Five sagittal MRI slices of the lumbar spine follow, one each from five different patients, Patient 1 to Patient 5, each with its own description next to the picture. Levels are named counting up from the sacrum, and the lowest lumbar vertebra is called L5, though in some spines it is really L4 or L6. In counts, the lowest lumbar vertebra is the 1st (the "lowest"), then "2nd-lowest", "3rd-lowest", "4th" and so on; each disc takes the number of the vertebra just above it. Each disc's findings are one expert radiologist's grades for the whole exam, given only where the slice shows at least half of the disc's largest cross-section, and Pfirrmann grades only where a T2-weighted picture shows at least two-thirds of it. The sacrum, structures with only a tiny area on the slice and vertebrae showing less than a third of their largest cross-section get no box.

Patient 1 of 5:
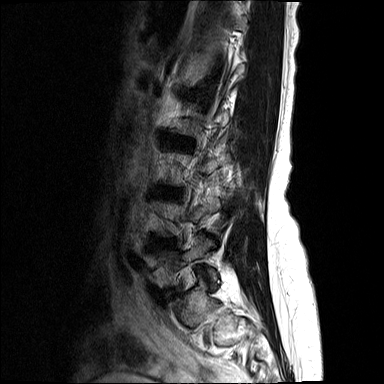 Image 384x384. Lumbar spine MR, T2-weighted, sagittal.
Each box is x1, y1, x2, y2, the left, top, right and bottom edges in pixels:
Lowest vertebra — 157, 239, 217, 287.
2nd-lowest disc — 152, 239, 175, 247.

Patient 2 of 5:
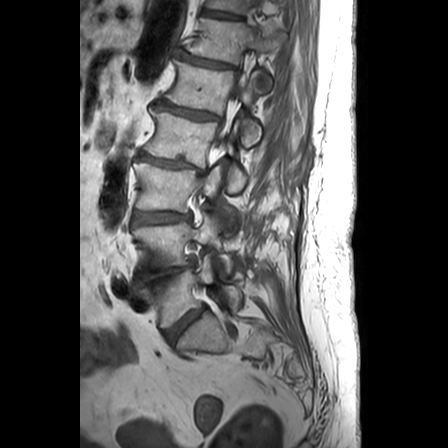 Patient sex: F. MRI lumbar spine (T1-weighted), sagittal plane. 448x448 px. Slice 17 of 24.
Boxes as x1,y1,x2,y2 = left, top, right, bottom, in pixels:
L5 (lowest vertebra): 140,250,242,329
T11 (7th vertebra): 206,0,252,13
disc L1/L2 (5th disc): 158,103,219,120
L4/L5 (2nd-lowest disc): 136,263,193,283
L3 (3rd-lowest vertebra): 134,163,235,229
disc L2/L3 (4th disc): 136,152,204,174
L4 (2nd-lowest vertebra): 133,214,233,273
disc T11/T12 (7th disc): 201,10,240,19
L1 (5th vertebra): 165,61,261,146
T12 (6th vertebra): 186,18,285,91
L5/S1 (lowest disc): 164,307,205,344
T12/L1 (6th disc): 176,54,232,68
L2 (4th vertebra): 144,110,246,191
L3/L4 (3rd-lowest disc): 132,211,189,224

Radiological gradings:
• L1/L2 (5th disc): disc narrowing, Modic type II
• L3/L4 (3rd-lowest disc): disc bulging
• T12/L1 (6th disc): disc narrowing
• L5/S1 (lowest disc): disc bulging
• L4/L5 (2nd-lowest disc): disc bulging, disc narrowing
• L2/L3 (4th disc): spondylolisthesis, Modic type II, disc narrowing, disc bulging
• T11/T12 (7th disc): no Modic or endplate change, herniation, narrowing, bulging or spondylolisthesis recorded

Patient 3 of 5:
SIEMENS Avanto_fit (1.5T), Slice spacing 3.3 mm, MRI lumbar spine (T1-weighted), sagittal plane, 512x512 px 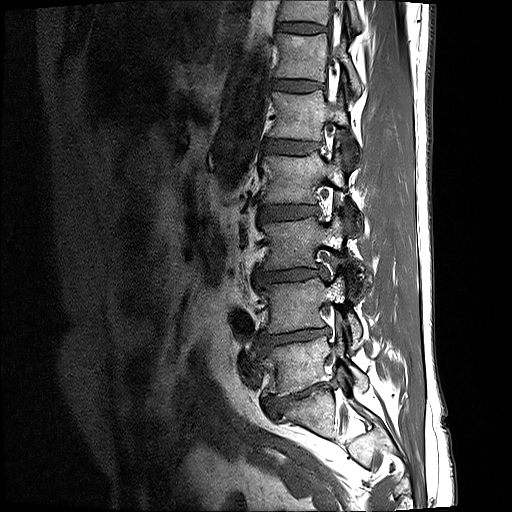

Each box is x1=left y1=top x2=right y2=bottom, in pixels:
Disc L3/L4 at x1=254 y1=268 x2=325 y2=286, spinal canal at x1=328 y1=0 x2=342 y2=102, L5 at x1=259 y1=326 x2=367 y2=396, L4 vertebra at x1=258 y1=277 x2=362 y2=349, disc L5/S1 at x1=263 y1=381 x2=336 y2=418, L3 at x1=262 y1=215 x2=343 y2=270, disc T11/T12 at x1=276 y1=22 x2=324 y2=33, T12/L1 at x1=271 y1=80 x2=320 y2=91, T11 vertebra at x1=277 y1=0 x2=362 y2=31, L2/L3 at x1=259 y1=205 x2=318 y2=220, L1/L2 at x1=265 y1=140 x2=319 y2=154, L4/L5 at x1=256 y1=328 x2=330 y2=355, L1 at x1=269 y1=90 x2=357 y2=155, T12 at x1=275 y1=33 x2=363 y2=94, L2 at x1=261 y1=152 x2=359 y2=226.

Per-level radiological findings:
• L5/S1: disc narrowing, disc bulging, spondylolisthesis, lower-endplate change
• L4/L5: disc bulging, disc narrowing, lower-endplate change, Modic type II
• L3/L4: disc bulging, disc narrowing
• T11/T12, L2/L3, L1/L2, T12/L1: no Modic or endplate change, herniation, narrowing, bulging or spondylolisthesis recorded

Patient 4 of 5:
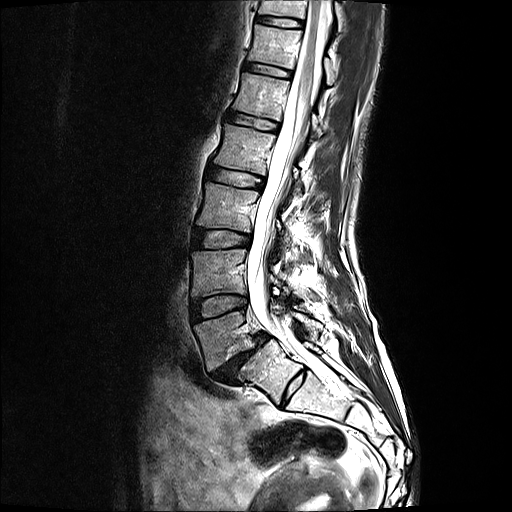 Sex F, MRI lumbar spine (T2-weighted), sagittal plane, Slice 8/17

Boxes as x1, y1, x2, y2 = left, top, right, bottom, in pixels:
Segmented structures:
* 4th vertebra — 216, 124, 304, 192
* 4th disc — 209, 166, 265, 187
* lowest disc — 209, 332, 269, 383
* 3rd-lowest disc — 194, 229, 251, 247
* 6th disc — 245, 62, 292, 77
* 5th disc — 228, 112, 279, 130
* thecal sac / spinal canal — 248, 0, 331, 358
* 7th vertebra — 259, 0, 346, 29
* 2nd-lowest vertebra — 192, 249, 289, 296
* 2nd-lowest disc — 192, 295, 248, 319
* 6th vertebra — 249, 23, 337, 83
* 7th disc — 257, 15, 303, 27
* 5th vertebra — 234, 72, 324, 135
* lowest vertebra — 195, 311, 322, 370
* 3rd-lowest vertebra — 199, 181, 291, 247

Degenerative findings by level:
  2nd-lowest disc: Pfirrmann grade 2
  4th disc: Pfirrmann grade 2
  3rd-lowest disc: Pfirrmann grade 2
  5th disc: Pfirrmann grade 2
  lowest disc: Pfirrmann grade 5, spondylolisthesis, disc narrowing, disc bulging, Modic type II
  6th disc: Pfirrmann grade 2
  7th disc: Pfirrmann grade 2

Patient 5 of 5:
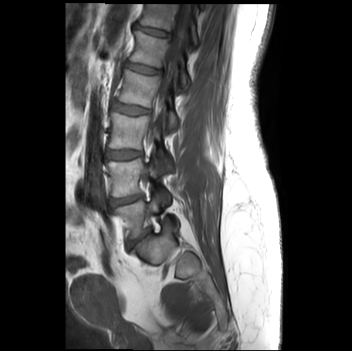 Sagittal slice index 13 | 352x351 px | Lumbar spine MR, T1-weighted, sagittal

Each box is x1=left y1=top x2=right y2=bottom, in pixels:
T12/L1 at x1=135 y1=25 x2=169 y2=36, L2 vertebra at x1=117 y1=70 x2=176 y2=131, IVD L4/L5 at x1=110 y1=195 x2=141 y2=205, spinal canal at x1=150 y1=4 x2=192 y2=131, L4 vertebra at x1=105 y1=159 x2=168 y2=202, L5/S1 at x1=131 y1=229 x2=150 y2=242, L1/L2 at x1=126 y1=62 x2=160 y2=73, T12 vertebra at x1=139 y1=4 x2=199 y2=47, L1 at x1=130 y1=31 x2=188 y2=90, IVD L2/L3 at x1=111 y1=101 x2=148 y2=114, IVD L3/L4 at x1=105 y1=149 x2=141 y2=159, L3 vertebra at x1=108 y1=112 x2=171 y2=169, L5 vertebra at x1=115 y1=195 x2=177 y2=237.

Per-level radiological findings:
  T12/L1, L1/L2, L2/L3, L3/L4: no Modic or endplate change, herniation, narrowing, bulging or spondylolisthesis recorded